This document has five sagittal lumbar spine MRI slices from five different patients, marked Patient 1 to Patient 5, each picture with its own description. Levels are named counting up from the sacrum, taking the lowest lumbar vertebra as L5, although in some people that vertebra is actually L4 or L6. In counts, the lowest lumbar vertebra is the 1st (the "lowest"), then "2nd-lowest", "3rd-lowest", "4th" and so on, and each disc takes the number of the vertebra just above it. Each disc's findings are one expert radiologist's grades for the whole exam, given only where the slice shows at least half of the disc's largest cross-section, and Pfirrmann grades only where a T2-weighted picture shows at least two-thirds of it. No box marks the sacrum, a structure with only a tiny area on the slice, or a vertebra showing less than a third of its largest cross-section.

Patient 1 of 5:
Scanner: Philips Healthcare Ingenia (3T) | 594x600 px | Sagittal slice index 17 | MRI lumbar spine (T2-weighted), sagittal plane
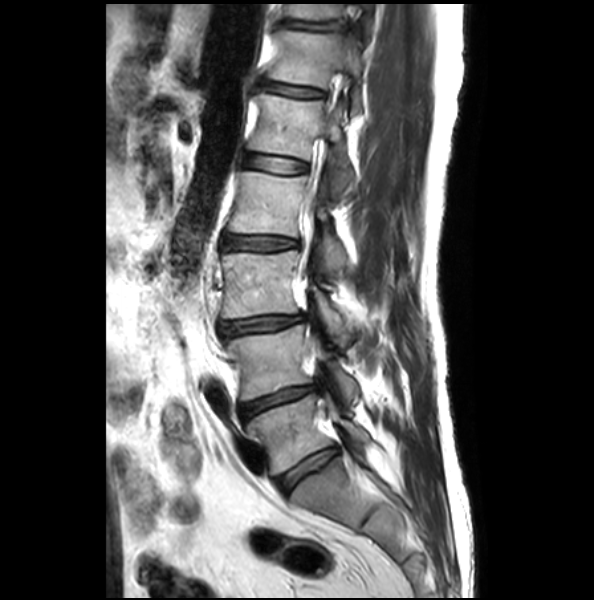 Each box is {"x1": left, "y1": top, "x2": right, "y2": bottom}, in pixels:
L1: {"x1": 248, "y1": 93, "x2": 353, "y2": 195} | L5/S1: {"x1": 276, "y1": 446, "x2": 338, "y2": 496} | T12 vertebra: {"x1": 266, "y1": 31, "x2": 361, "y2": 111} | T11: {"x1": 284, "y1": 5, "x2": 372, "y2": 30} | IVD L4/L5: {"x1": 239, "y1": 384, "x2": 316, "y2": 420} | L3: {"x1": 221, "y1": 250, "x2": 350, "y2": 346} | IVD T12/L1: {"x1": 260, "y1": 82, "x2": 324, "y2": 98} | L3/L4: {"x1": 219, "y1": 314, "x2": 303, "y2": 337} | T11/T12: {"x1": 280, "y1": 20, "x2": 344, "y2": 30} | L5 vertebra: {"x1": 245, "y1": 394, "x2": 370, "y2": 476} | L2 vertebra: {"x1": 228, "y1": 171, "x2": 346, "y2": 273} | IVD L2/L3: {"x1": 221, "y1": 235, "x2": 299, "y2": 251} | L4: {"x1": 224, "y1": 309, "x2": 358, "y2": 403} | L1/L2: {"x1": 244, "y1": 155, "x2": 308, "y2": 174}

Per-level radiological findings:
• L4/L5: Pfirrmann grade 2, disc narrowing, disc bulging, lower-endplate change
• L3/L4: Pfirrmann grade 2, disc narrowing, disc bulging
• T11/T12: Pfirrmann grade 1, disc bulging, upper-endplate change, lower-endplate change
• T12/L1: Pfirrmann grade 2, upper-endplate change, disc bulging
• L5/S1: Pfirrmann grade 1, upper-endplate change, lower-endplate change
• L1/L2: Pfirrmann grade 1, upper-endplate change
• L2/L3: Pfirrmann grade 2, disc narrowing, disc bulging

Patient 2 of 5:
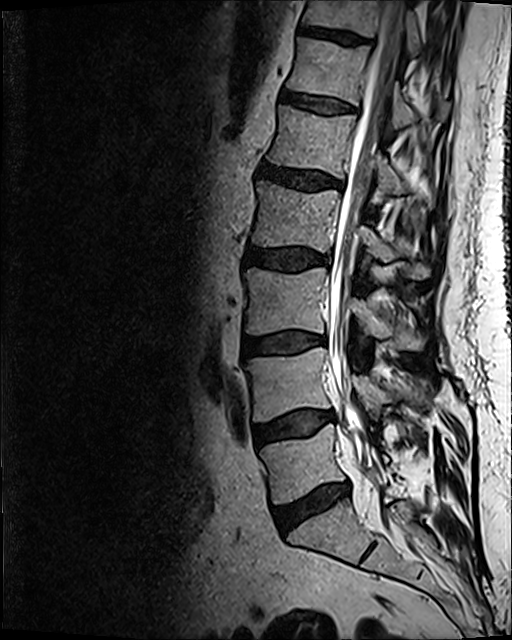 Patient sex: M. MRI lumbar spine (T2 SPACE (3D)), sagittal plane.
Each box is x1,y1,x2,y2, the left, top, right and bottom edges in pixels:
T12 (6th vertebra) at 286,37,449,128; T11 (7th vertebra) at 304,0,422,56; L3 (3rd-lowest vertebra) at 245,267,424,349; L2 (4th vertebra) at 252,181,429,279; intervertebral disc L2/L3 (4th disc) at 243,247,326,272; L1 (5th vertebra) at 268,106,434,207; thecal sac / spinal canal at 329,0,405,503; T11/T12 (7th disc) at 299,25,370,46; L4/L5 (2nd-lowest disc) at 253,411,333,446; L4 (2nd-lowest vertebra) at 247,348,430,422; L5 (lowest vertebra) at 260,424,388,503; T12/L1 (6th disc) at 281,92,355,113; intervertebral disc L5/S1 (lowest disc) at 273,483,348,532; L3/L4 (3rd-lowest disc) at 243,330,319,354; intervertebral disc L1/L2 (5th disc) at 255,162,344,191.

Per-level radiological findings:
• L2/L3 (4th disc): Pfirrmann grade 3, disc bulging
• L3/L4 (3rd-lowest disc): Pfirrmann grade 2, Modic type II, disc bulging
• L5/S1 (lowest disc): Pfirrmann grade 3, Modic type II, disc bulging, disc narrowing
• T12/L1 (6th disc): Pfirrmann grade 2
• L1/L2 (5th disc): Pfirrmann grade 3, disc bulging
• T11/T12 (7th disc): Pfirrmann grade 3
• L4/L5 (2nd-lowest disc): Pfirrmann grade 2, Modic type II, disc bulging

Patient 3 of 5:
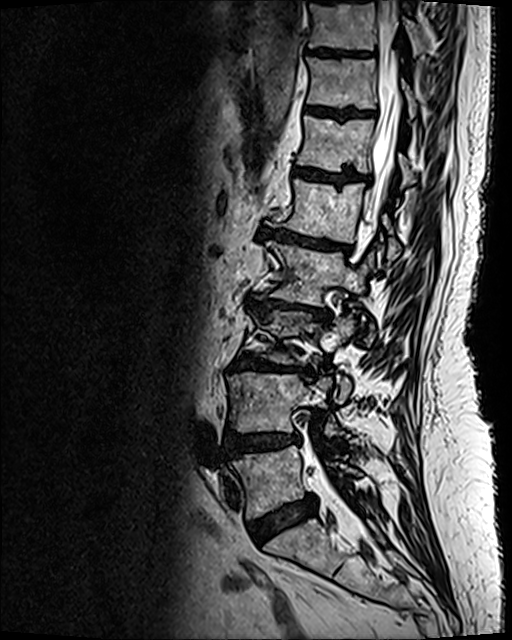
Lumbar spine MR, T2 SPACE (3D), sagittal; Field of view 240x300 mm
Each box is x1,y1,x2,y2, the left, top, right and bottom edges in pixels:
L5 at 232,445,360,517; T10 at 308,0,457,62; intervertebral disc L1/L2 at 261,227,348,251; L3 at 256,311,354,401; L5/S1 at 249,495,316,542; L4 vertebra at 227,372,343,435; intervertebral disc T11/T12 at 306,107,364,118; intervertebral disc L4/L5 at 225,432,299,458; spinal canal at 364,0,399,224; intervertebral disc T10/T11 at 308,48,352,57; L2 at 267,241,374,341; intervertebral disc L2/L3 at 245,295,331,320; T12/L1 at 293,169,369,183; T12 at 297,115,415,186; T11 at 307,58,416,117; L1 at 275,179,400,260; intervertebral disc L3/L4 at 232,352,305,376.

Radiological gradings:
- T10/T11: Pfirrmann grade 4, upper-endplate change, lower-endplate change
- L5/S1: Pfirrmann grade 4, disc bulging
- T11/T12: Pfirrmann grade 4, lower-endplate change, upper-endplate change
- L4/L5: Pfirrmann grade 4, lower-endplate change, disc bulging, upper-endplate change
- L2/L3: Pfirrmann grade 5, disc narrowing, Modic type II, lower-endplate change, disc bulging, upper-endplate change
- T12/L1: Pfirrmann grade 4, upper-endplate change, lower-endplate change, Modic type II
- L1/L2: Pfirrmann grade 5, Modic type II, upper-endplate change, disc narrowing, lower-endplate change, disc bulging
- L3/L4: upper-endplate change, disc bulging, lower-endplate change, Modic type II, disc narrowing

Patient 4 of 5:
Lumbar spine MR, T1-weighted, sagittal; Sagittal slice index 22; Field of view 300x304 mm, slice spacing 3.3 mm
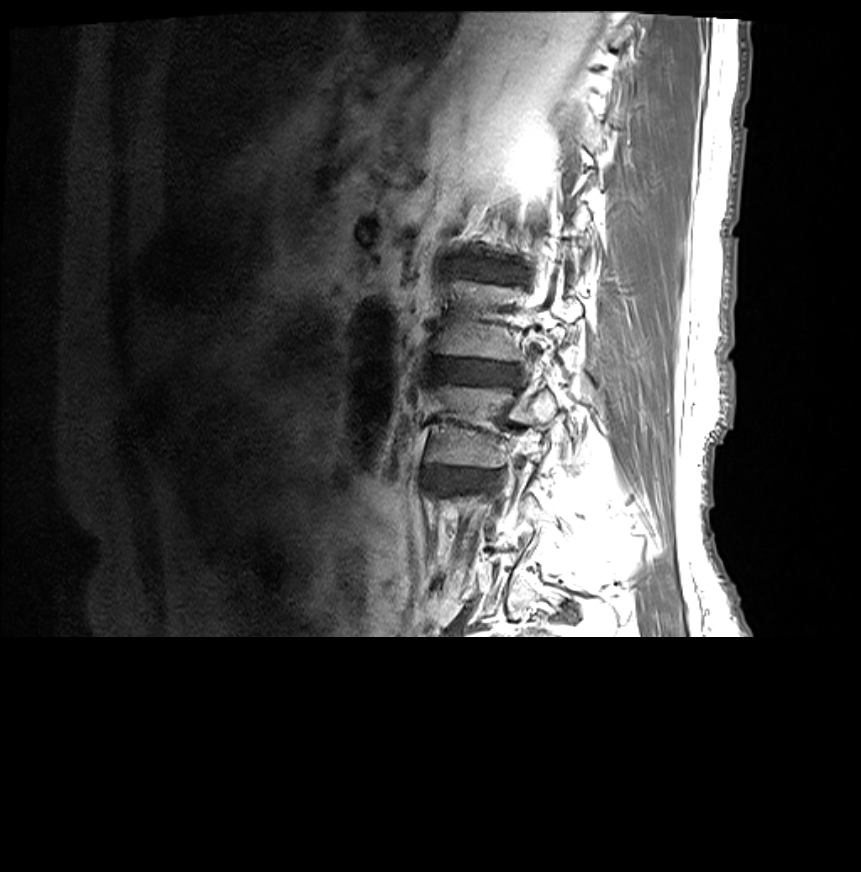

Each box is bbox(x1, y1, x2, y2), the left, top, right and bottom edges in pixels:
L1/L2 = bbox(452, 262, 517, 280).
L3 vertebra = bbox(429, 385, 557, 468).
L3/L4 = bbox(437, 471, 492, 487).
Disc L2/L3 = bbox(434, 361, 517, 384).
L2 vertebra = bbox(434, 281, 582, 362).

Expert MSK radiologist gradings (per disc):
- L2/L3: Modic type II, upper-endplate change, disc narrowing, disc bulging, lower-endplate change

Patient 5 of 5:
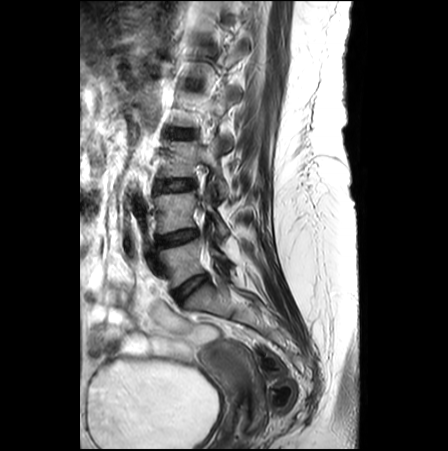 Sagittal slice index 16; Sagittal T2-weighted lumbar spine MRI; Image 448x451
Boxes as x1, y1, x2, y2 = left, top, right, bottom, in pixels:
* 2nd-lowest vertebra at 154, 191, 228, 238
* 4th disc at 166, 129, 195, 136
* 3rd-lowest vertebra at 158, 138, 229, 198
* 2nd-lowest disc at 157, 229, 198, 247
* lowest vertebra at 159, 240, 231, 287
* 3rd-lowest disc at 154, 180, 195, 190
* lowest disc at 173, 274, 207, 303

Degenerative findings by level:
- lowest disc: Pfirrmann grade 3
- 3rd-lowest disc: Pfirrmann grade 1
- 2nd-lowest disc: Pfirrmann grade 4, disc narrowing